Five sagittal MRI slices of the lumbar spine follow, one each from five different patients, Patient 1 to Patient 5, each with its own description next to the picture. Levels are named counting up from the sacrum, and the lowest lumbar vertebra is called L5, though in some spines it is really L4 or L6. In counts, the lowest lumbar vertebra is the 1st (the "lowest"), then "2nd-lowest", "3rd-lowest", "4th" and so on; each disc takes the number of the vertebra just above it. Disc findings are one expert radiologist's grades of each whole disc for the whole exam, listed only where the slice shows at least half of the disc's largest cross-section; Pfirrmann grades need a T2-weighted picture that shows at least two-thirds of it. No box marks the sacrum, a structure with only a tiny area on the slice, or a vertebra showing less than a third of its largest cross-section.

Patient 1 of 5:
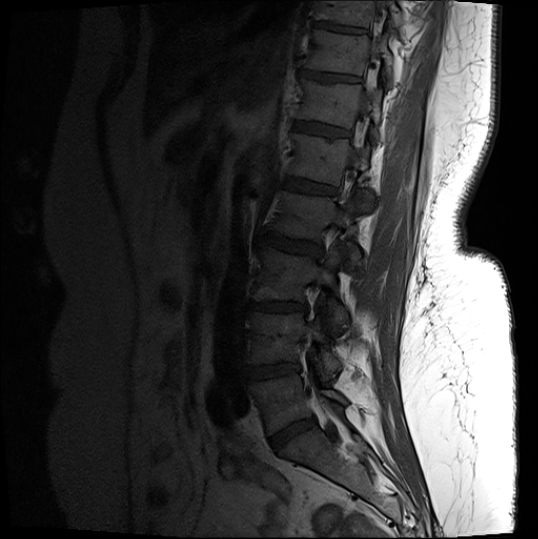
538x539 px. T1-weighted sagittal MRI of the lumbar spine. Sex F.
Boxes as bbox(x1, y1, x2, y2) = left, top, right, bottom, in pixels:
Annotations:
* T11 (7th vertebra) at bbox(305, 31, 393, 85)
* L2 (4th vertebra) at bbox(271, 191, 361, 269)
* L3 (3rd-lowest vertebra) at bbox(253, 247, 348, 332)
* intervertebral disc T11/T12 (7th disc) at bbox(301, 70, 360, 83)
* intervertebral disc L4/L5 (2nd-lowest disc) at bbox(248, 364, 299, 379)
* intervertebral disc L5/S1 (lowest disc) at bbox(270, 419, 315, 450)
* T12 (6th vertebra) at bbox(299, 80, 382, 139)
* T10 (8th vertebra) at bbox(313, 1, 402, 29)
* intervertebral disc L1/L2 (5th disc) at bbox(285, 177, 336, 195)
* T12/L1 (6th disc) at bbox(296, 121, 349, 137)
* L5 (lowest vertebra) at bbox(250, 374, 347, 435)
* intervertebral disc L3/L4 (3rd-lowest disc) at bbox(251, 302, 306, 311)
* intervertebral disc L2/L3 (4th disc) at bbox(259, 231, 321, 257)
* L4 (2nd-lowest vertebra) at bbox(249, 312, 341, 377)
* T10/T11 (8th disc) at bbox(312, 22, 366, 33)
* L1 (5th vertebra) at bbox(289, 134, 373, 209)
* thecal sac / spinal canal at bbox(374, 1, 387, 56)

Expert MSK radiologist gradings (per disc):
  T10/T11 (8th disc): lower-endplate change, upper-endplate change
  L4/L5 (2nd-lowest disc): Modic type II, disc bulging, lower-endplate change
  T12/L1 (6th disc): lower-endplate change, upper-endplate change
  L1/L2 (5th disc): lower-endplate change, Modic type II, upper-endplate change
  L5/S1 (lowest disc): disc bulging, disc narrowing
  T11/T12 (7th disc): upper-endplate change
  L3/L4 (3rd-lowest disc): lower-endplate change, upper-endplate change, disc bulging, disc narrowing, Modic type II
  L2/L3 (4th disc): upper-endplate change, disc bulging, lower-endplate change

Patient 2 of 5:
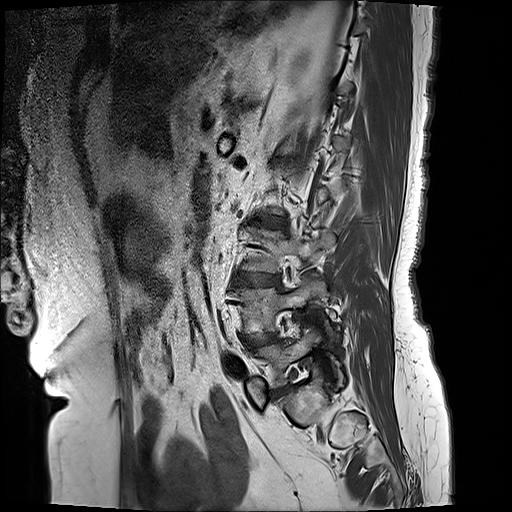
Field of view 300x300 mm; Lumbar spine MR, T1-weighted, sagittal

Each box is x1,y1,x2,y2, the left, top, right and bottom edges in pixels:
- disc L3/L4: 234,273,281,286
- disc L2/L3: 250,214,288,227
- L5 vertebra: 256,325,342,388
- L3 vertebra: 242,227,334,272
- L4: 230,272,326,332
- L4/L5: 245,334,278,349

Degenerative findings by level:
- L2/L3: disc narrowing, upper-endplate change, disc bulging, Modic type II, lower-endplate change
- L3/L4: lower-endplate change, disc bulging, upper-endplate change, Modic type II, disc narrowing

Patient 3 of 5:
Sex F. Slice 17 of 23. Lumbar spine MR, T1-weighted, sagittal. 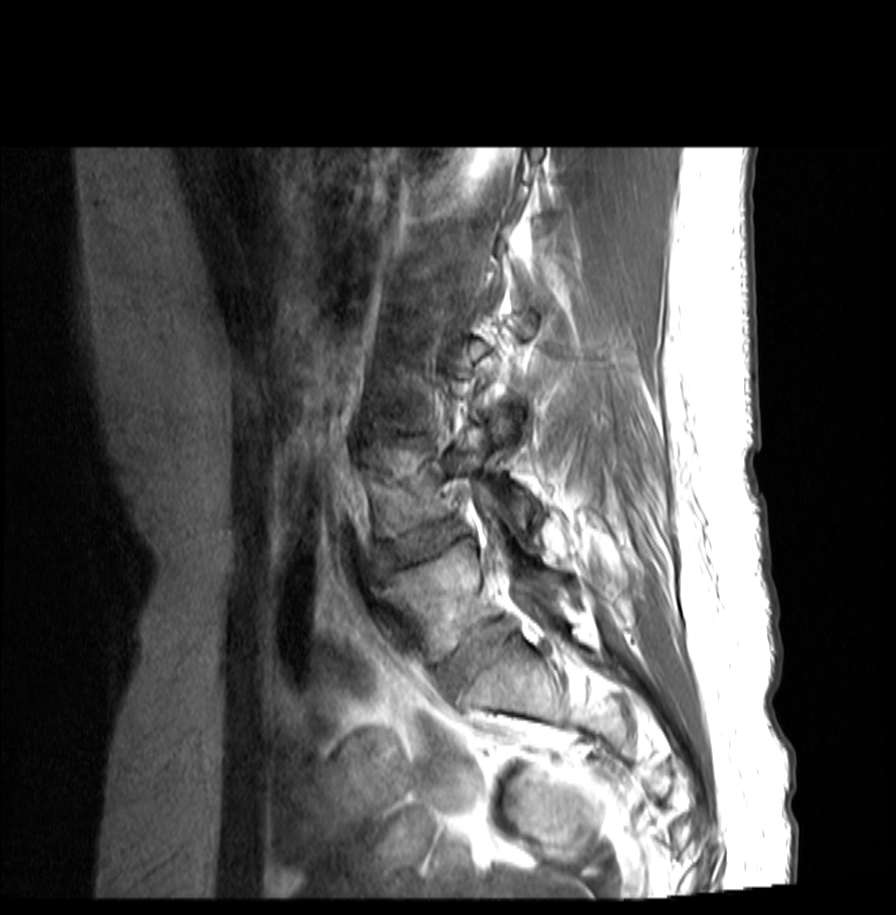
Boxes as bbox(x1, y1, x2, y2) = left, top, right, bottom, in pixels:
L5 vertebra at bbox(384, 540, 560, 664); L5/S1 at bbox(436, 620, 512, 697); L4 at bbox(372, 425, 540, 536); IVD L4/L5 at bbox(377, 520, 464, 569); IVD L3/L4 at bbox(369, 420, 404, 430).

Expert MSK radiologist gradings (per disc):
  L5/S1: disc bulging
  L4/L5: disc herniation

Patient 4 of 5:
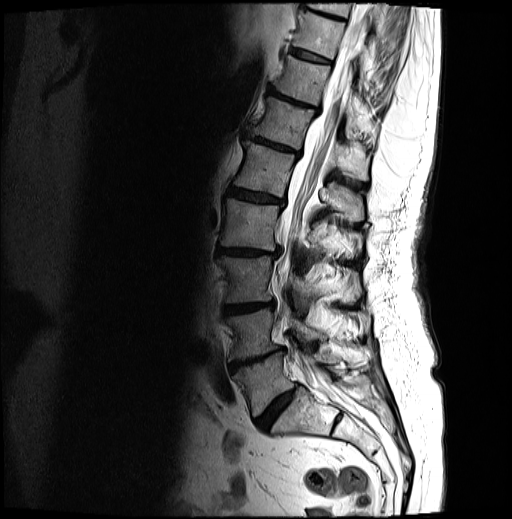 MRI lumbar spine (T2-weighted), sagittal plane; 512x519 px; Patient sex: F

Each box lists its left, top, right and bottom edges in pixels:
Lowest disc: left=255, top=385, right=298, bottom=431.
6th vertebra: left=251, top=96, right=369, bottom=180.
Spinal canal: left=277, top=3, right=370, bottom=403.
5th disc: left=228, top=187, right=283, bottom=205.
9th vertebra: left=308, top=3, right=387, bottom=40.
6th disc: left=244, top=128, right=300, bottom=156.
7th vertebra: left=275, top=55, right=376, bottom=138.
5th vertebra: left=234, top=141, right=364, bottom=221.
4th disc: left=218, top=246, right=279, bottom=256.
3rd-lowest disc: left=224, top=300, right=273, bottom=314.
2nd-lowest vertebra: left=227, top=308, right=326, bottom=361.
Lowest vertebra: left=233, top=351, right=338, bottom=416.
4th vertebra: left=221, top=198, right=360, bottom=263.
9th disc: left=302, top=3, right=344, bottom=19.
3rd-lowest vertebra: left=218, top=255, right=361, bottom=308.
2nd-lowest disc: left=230, top=347, right=284, bottom=371.
7th disc: left=268, top=87, right=318, bottom=110.
8th disc: left=291, top=47, right=330, bottom=63.
8th vertebra: left=293, top=10, right=368, bottom=82.

Radiological gradings:
  3rd-lowest disc: Pfirrmann grade 4, Modic type II, disc bulging, lower-endplate change, upper-endplate change, disc narrowing
  8th disc: Pfirrmann grade 4, Modic type II, upper-endplate change, lower-endplate change
  6th disc: Pfirrmann grade 4, lower-endplate change, disc bulging, upper-endplate change, Modic type II, disc narrowing
  lowest disc: Pfirrmann grade 4, disc bulging, disc narrowing
  7th disc: Pfirrmann grade 5, upper-endplate change, disc bulging, disc narrowing, lower-endplate change, Modic type II
  4th disc: Pfirrmann grade 4, disc narrowing, upper-endplate change, disc bulging, Modic type II, lower-endplate change
  2nd-lowest disc: lower-endplate change, Modic type II, disc bulging, upper-endplate change, disc narrowing
  5th disc: Pfirrmann grade 4, disc narrowing, disc bulging, upper-endplate change, lower-endplate change, Modic type II

Patient 5 of 5:
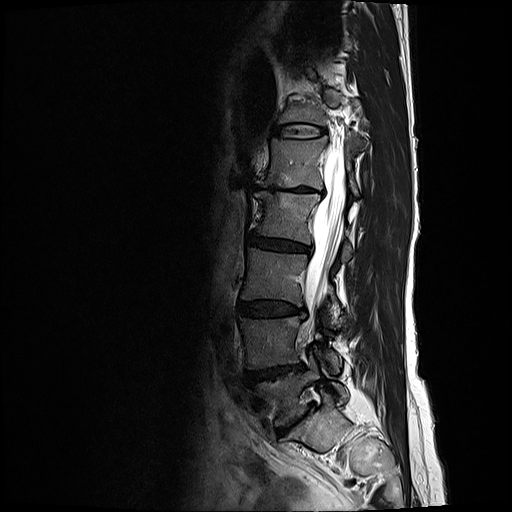

Sagittal slice index 9 | Field of view 300x300 mm, slice spacing 3.3 mm | Lumbar spine MR, T2-weighted, sagittal | Patient sex: F
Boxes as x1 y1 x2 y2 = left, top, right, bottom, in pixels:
IVD L4/L5 (2nd-lowest disc) = 246 364 304 382.
Spinal canal = 304 146 345 336.
IVD L2/L3 (4th disc) = 250 233 310 253.
T12/L1 (6th disc) = 273 123 325 138.
IVD L3/L4 (3rd-lowest disc) = 238 301 304 317.
L3 (3rd-lowest vertebra) = 242 247 341 323.
L5 (lowest vertebra) = 251 355 345 426.
L2 (4th vertebra) = 255 192 352 259.
T12 (6th vertebra) = 278 91 360 125.
IVD L1/L2 (5th disc) = 257 184 321 194.
L1 (5th vertebra) = 258 136 358 195.
L4 (2nd-lowest vertebra) = 240 316 340 373.
IVD L5/S1 (lowest disc) = 278 405 312 434.

Per-level radiological findings:
• L2/L3 (4th disc): Pfirrmann grade 3, disc bulging, disc narrowing
• L1/L2 (5th disc): Pfirrmann grade 5, lower-endplate change, upper-endplate change, disc bulging, Modic type II, disc narrowing
• L3/L4 (3rd-lowest disc): Pfirrmann grade 3, disc bulging
• T12/L1 (6th disc): Pfirrmann grade 2
• L4/L5 (2nd-lowest disc): Pfirrmann grade 4, disc narrowing, disc bulging, Modic type II